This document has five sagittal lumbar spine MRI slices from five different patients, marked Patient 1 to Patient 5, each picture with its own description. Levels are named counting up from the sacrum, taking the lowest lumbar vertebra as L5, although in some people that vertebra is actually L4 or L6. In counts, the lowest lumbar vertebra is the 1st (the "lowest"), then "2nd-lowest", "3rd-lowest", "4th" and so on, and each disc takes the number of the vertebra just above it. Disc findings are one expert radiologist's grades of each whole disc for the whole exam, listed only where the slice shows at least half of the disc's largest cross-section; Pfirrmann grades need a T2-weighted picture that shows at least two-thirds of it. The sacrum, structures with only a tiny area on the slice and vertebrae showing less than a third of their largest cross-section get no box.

Patient 1 of 5:
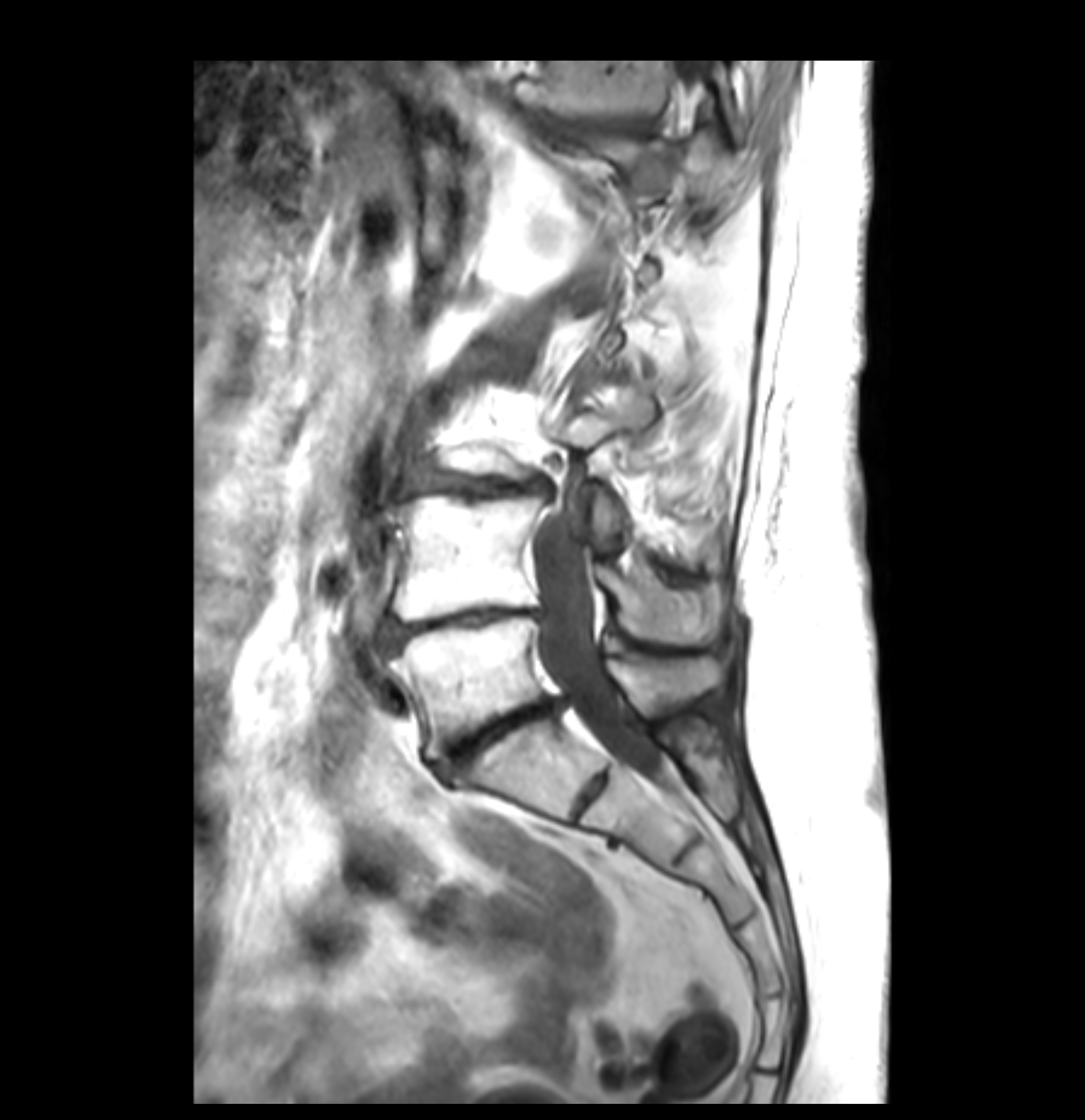

Slice 17 of 41, Field of view 280x289 mm, slice spacing 3.4 mm, MRI lumbar spine (T1-weighted), sagittal plane, Patient sex: F

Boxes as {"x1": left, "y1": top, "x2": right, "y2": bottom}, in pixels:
• L5/S1 = {"x1": 438, "y1": 696, "x2": 569, "y2": 774}
• spinal canal = {"x1": 535, "y1": 63, "x2": 699, "y2": 781}
• L4 = {"x1": 390, "y1": 495, "x2": 719, "y2": 644}
• L3/L4 = {"x1": 417, "y1": 470, "x2": 554, "y2": 499}
• T11 vertebra = {"x1": 537, "y1": 59, "x2": 746, "y2": 145}
• L5 vertebra = {"x1": 390, "y1": 616, "x2": 721, "y2": 758}
• IVD L4/L5 = {"x1": 385, "y1": 608, "x2": 547, "y2": 646}
• IVD T11/T12 = {"x1": 559, "y1": 118, "x2": 644, "y2": 131}

Per-level radiological findings:
• L5/S1: Modic type II, disc herniation, disc narrowing, disc bulging, upper-endplate change, lower-endplate change
• L3/L4: upper-endplate change, lower-endplate change, disc bulging, disc narrowing, Modic type II
• L4/L5: upper-endplate change, disc narrowing, Modic type II, lower-endplate change, disc bulging

Patient 2 of 5:
512x640 px; Sex F; Sagittal T2 SPACE (3D) lumbar spine MRI 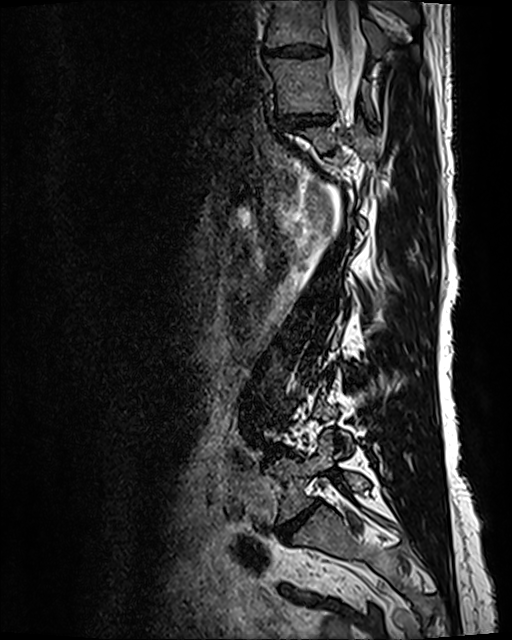

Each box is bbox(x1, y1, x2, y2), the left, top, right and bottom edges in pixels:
T11/T12 — bbox(279, 112, 332, 126).
T10 — bbox(266, 0, 418, 56).
L5 vertebra — bbox(266, 431, 369, 522).
Thecal sac / spinal canal — bbox(327, 1, 362, 104).
IVD T10/T11 — bbox(264, 43, 324, 58).
L4/L5 — bbox(269, 448, 292, 456).
IVD L5/S1 — bbox(278, 500, 320, 540).
T11 — bbox(268, 55, 373, 117).

Expert MSK radiologist gradings (per disc):
• T10/T11: Pfirrmann grade 3, disc narrowing, disc bulging
• T11/T12: disc narrowing, disc bulging
• L5/S1: lower-endplate change, disc narrowing, Modic type II, upper-endplate change, disc bulging

Patient 3 of 5:
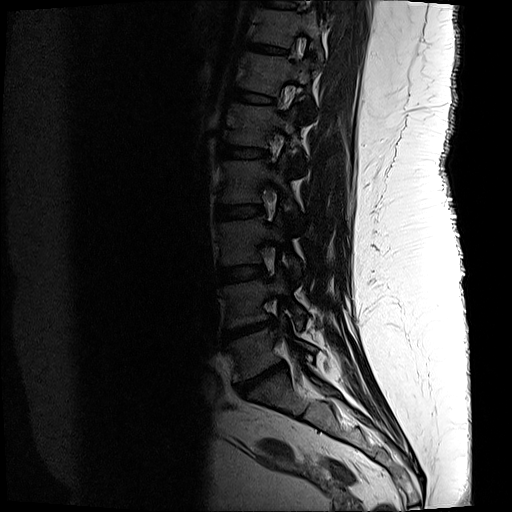 T2-weighted sagittal MRI of the lumbar spine, Slice 5/17, 512x512 px

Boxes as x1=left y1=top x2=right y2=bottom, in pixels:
2nd-lowest vertebra at x1=223 y1=269 x2=305 y2=328.
5th vertebra at x1=230 y1=104 x2=304 y2=169.
3rd-lowest vertebra at x1=219 y1=212 x2=302 y2=279.
6th disc at x1=239 y1=91 x2=274 y2=103.
6th vertebra at x1=243 y1=53 x2=314 y2=116.
4th vertebra at x1=221 y1=153 x2=301 y2=220.
Lowest disc at x1=237 y1=362 x2=285 y2=395.
4th disc at x1=217 y1=205 x2=263 y2=219.
Lowest vertebra at x1=228 y1=315 x2=317 y2=380.
7th vertebra at x1=254 y1=8 x2=323 y2=61.
2nd-lowest disc at x1=225 y1=318 x2=276 y2=339.
7th disc at x1=249 y1=43 x2=287 y2=53.
5th disc at x1=224 y1=145 x2=266 y2=157.
3rd-lowest disc at x1=220 y1=265 x2=265 y2=283.

Per-level radiological findings:
- 6th disc: Pfirrmann grade 3
- 2nd-lowest disc: lower-endplate change, upper-endplate change, Modic type II, disc narrowing, disc herniation
- lowest disc: lower-endplate change, disc narrowing, disc herniation, Modic type II, upper-endplate change
- 4th disc: Pfirrmann grade 3, upper-endplate change, lower-endplate change
- 7th disc: Pfirrmann grade 3, lower-endplate change
- 5th disc: Pfirrmann grade 3, lower-endplate change
- 3rd-lowest disc: Pfirrmann grade 3

Patient 4 of 5:
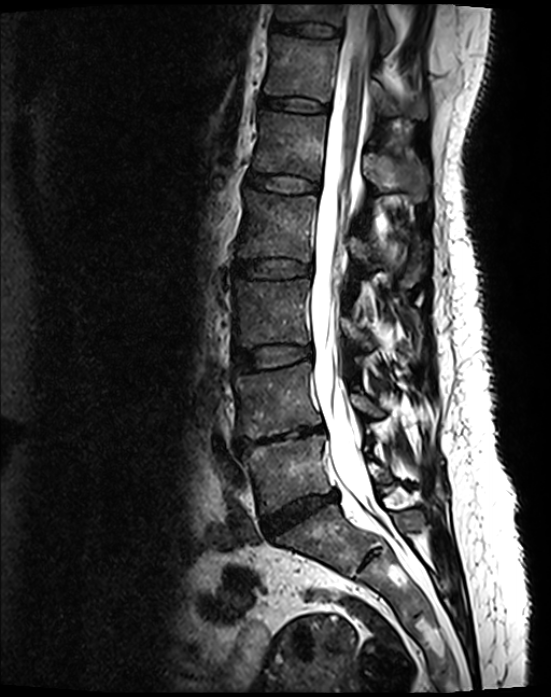 Sagittal slice index 70. Lumbar spine MR, T2 SPACE (3D), sagittal.

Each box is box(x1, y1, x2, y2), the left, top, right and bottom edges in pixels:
T11: box(276, 4, 394, 53) | L3 vertebra: box(234, 279, 410, 361) | L5: box(242, 434, 391, 512) | L1/L2: box(248, 175, 319, 192) | L4: box(235, 362, 384, 438) | L1: box(253, 111, 427, 202) | thecal sac / spinal canal: box(310, 4, 378, 516) | L3/L4: box(234, 344, 312, 371) | intervertebral disc T12/L1: box(259, 96, 327, 112) | L2/L3: box(235, 259, 311, 279) | T12 vertebra: box(265, 35, 427, 119) | L2: box(237, 191, 421, 287) | L4/L5: box(235, 426, 323, 451) | T11/T12: box(271, 22, 339, 36) | L5/S1: box(263, 492, 337, 535)

Radiological gradings:
- L5/S1: Pfirrmann grade 4, disc bulging, disc narrowing
- L1/L2: Pfirrmann grade 2
- L2/L3: Pfirrmann grade 2
- T12/L1: Pfirrmann grade 2
- L3/L4: Pfirrmann grade 2
- T11/T12: Pfirrmann grade 2
- L4/L5: Pfirrmann grade 5, disc bulging, lower-endplate change, Modic type II, upper-endplate change, disc narrowing

Patient 5 of 5:
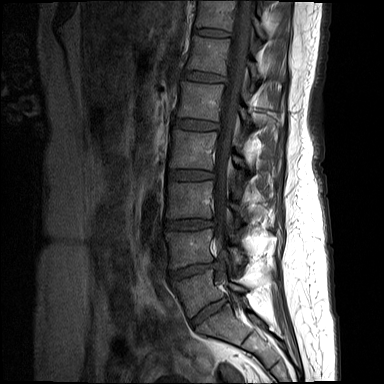 Patient sex: F. MRI lumbar spine (T1-weighted), sagittal plane.
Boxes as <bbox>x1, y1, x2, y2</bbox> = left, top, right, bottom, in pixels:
{"lowest disc": "<bbox>191, 298, 226, 326</bbox>", "5th vertebra": "<bbox>177, 81, 252, 123</bbox>", "5th disc": "<bbox>174, 118, 219, 130</bbox>", "2nd-lowest vertebra": "<bbox>166, 229, 246, 268</bbox>", "6th disc": "<bbox>182, 70, 224, 81</bbox>", "lowest vertebra": "<bbox>172, 269, 246, 317</bbox>", "4th vertebra": "<bbox>169, 130, 246, 169</bbox>", "2nd-lowest disc": "<bbox>169, 262, 224, 279</bbox>", "7th vertebra": "<bbox>196, 0, 265, 39</bbox>", "3rd-lowest vertebra": "<bbox>166, 181, 241, 227</bbox>", "7th disc": "<bbox>193, 28, 228, 36</bbox>", "3rd-lowest disc": "<bbox>164, 219, 214, 229</bbox>", "6th vertebra": "<bbox>187, 36, 259, 87</bbox>", "4th disc": "<bbox>169, 170, 214, 180</bbox>", "spinal canal": "<bbox>214, 0, 253, 303</bbox>"}

Expert MSK radiologist gradings (per disc):
  4th disc: disc bulging
  3rd-lowest disc: disc bulging, upper-endplate change
  2nd-lowest disc: upper-endplate change, lower-endplate change, Modic type II, disc narrowing, disc herniation
  5th disc, lowest disc, 6th disc, 7th disc: no herniation, bulging, narrowing, spondylolisthesis, endplate or Modic change recorded